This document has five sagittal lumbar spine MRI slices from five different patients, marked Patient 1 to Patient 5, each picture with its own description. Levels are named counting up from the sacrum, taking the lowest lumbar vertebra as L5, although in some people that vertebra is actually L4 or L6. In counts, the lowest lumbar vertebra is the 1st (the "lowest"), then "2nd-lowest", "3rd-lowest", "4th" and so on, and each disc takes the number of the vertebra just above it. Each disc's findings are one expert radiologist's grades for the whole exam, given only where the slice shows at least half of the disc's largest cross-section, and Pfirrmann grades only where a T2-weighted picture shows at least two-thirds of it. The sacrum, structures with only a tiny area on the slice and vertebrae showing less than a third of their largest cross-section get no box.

Patient 1 of 5:
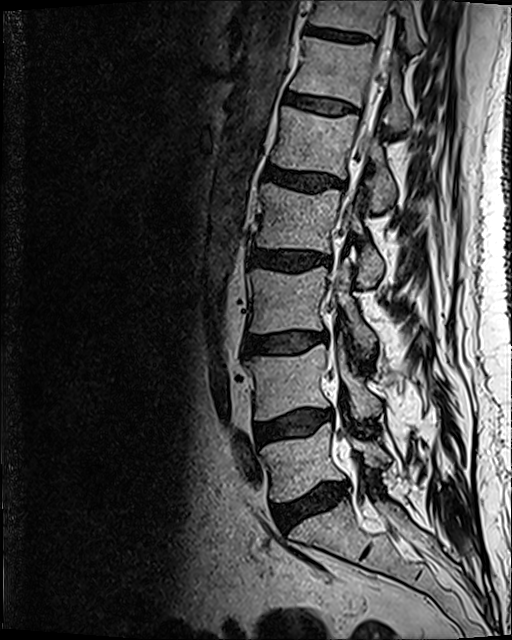 T2 SPACE (3D) sagittal MRI of the lumbar spine. Slice 50 of 120.

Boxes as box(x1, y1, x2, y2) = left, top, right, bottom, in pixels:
{"7th disc": "box(304, 25, 370, 42)", "4th disc": "box(250, 250, 329, 271)", "2nd-lowest vertebra": "box(245, 344, 381, 420)", "7th vertebra": "box(311, 0, 421, 52)", "3rd-lowest disc": "box(242, 332, 316, 355)", "4th vertebra": "box(257, 183, 383, 286)", "3rd-lowest vertebra": "box(247, 262, 376, 352)", "lowest vertebra": "box(261, 422, 390, 501)", "spinal canal": "box(359, 12, 392, 171)", "lowest disc": "box(274, 484, 347, 528)", "5th vertebra": "box(271, 106, 395, 210)", "5th disc": "box(264, 165, 342, 193)", "6th disc": "box(286, 93, 356, 113)", "6th vertebra": "box(290, 37, 409, 130)", "2nd-lowest disc": "box(255, 409, 331, 443)"}

Radiological gradings:
- lowest disc: Pfirrmann grade 3, disc bulging, Modic type II, disc narrowing
- 5th disc: Pfirrmann grade 3, disc bulging
- 3rd-lowest disc: Pfirrmann grade 2, Modic type II, disc bulging
- 6th disc: Pfirrmann grade 2
- 7th disc: Pfirrmann grade 3
- 4th disc: Pfirrmann grade 3, disc bulging
- 2nd-lowest disc: Pfirrmann grade 2, disc bulging, Modic type II

Patient 2 of 5:
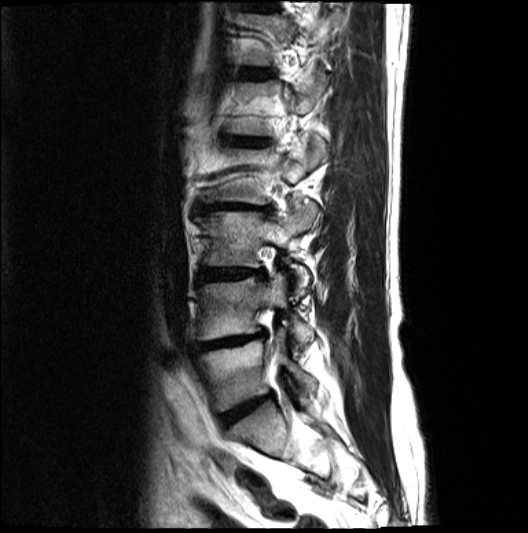 Sagittal slice index 5, MRI lumbar spine (T2-weighted), sagittal plane, Sex M
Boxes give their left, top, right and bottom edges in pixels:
Structures:
- 5th disc: left=232, top=139, right=266, bottom=146
- 2nd-lowest disc: left=198, top=334, right=263, bottom=351
- 4th disc: left=199, top=204, right=259, bottom=212
- 6th disc: left=241, top=70, right=273, bottom=78
- 3rd-lowest vertebra: left=198, top=201, right=318, bottom=296
- 3rd-lowest disc: left=201, top=269, right=263, bottom=279
- 4th vertebra: left=202, top=143, right=329, bottom=204
- 2nd-lowest vertebra: left=199, top=274, right=312, bottom=350
- lowest disc: left=221, top=395, right=271, bottom=425
- lowest vertebra: left=199, top=330, right=315, bottom=411

Degenerative findings by level:
- 3rd-lowest disc: Modic type II, disc bulging, disc narrowing
- lowest disc: disc narrowing, disc bulging, Modic type II
- 2nd-lowest disc: Modic type II, upper-endplate change, lower-endplate change, disc bulging, disc narrowing

Patient 3 of 5:
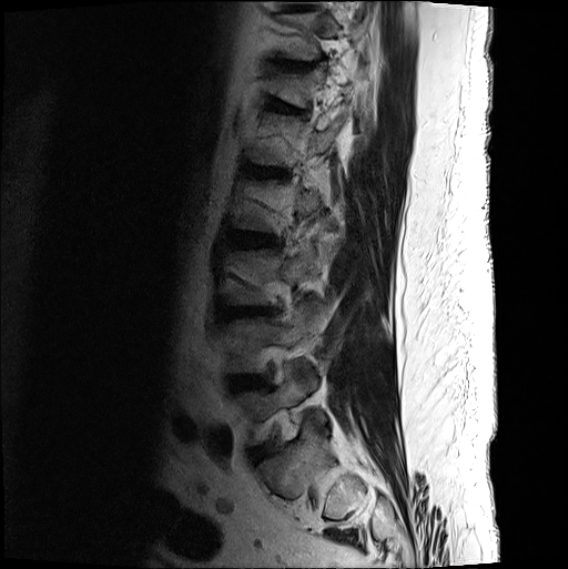
T2-weighted sagittal MRI of the lumbar spine

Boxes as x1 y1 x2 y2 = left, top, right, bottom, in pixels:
Annotations:
- L3 (3rd-lowest vertebra) = 225 243 326 305
- T11/T12 (7th disc) = 272 59 318 71
- L2/L3 (4th disc) = 231 233 275 247
- T11 (7th vertebra) = 277 12 367 60
- intervertebral disc L5/S1 (lowest disc) = 253 446 266 459
- T12 (6th vertebra) = 267 63 365 106
- L5 (lowest vertebra) = 236 371 326 446
- L4 (2nd-lowest vertebra) = 217 301 321 374
- L4/L5 (2nd-lowest disc) = 228 375 270 390
- T12/L1 (6th disc) = 267 98 298 111
- intervertebral disc L3/L4 (3rd-lowest disc) = 219 307 275 319
- L1/L2 (5th disc) = 245 165 284 176

Patient 4 of 5:
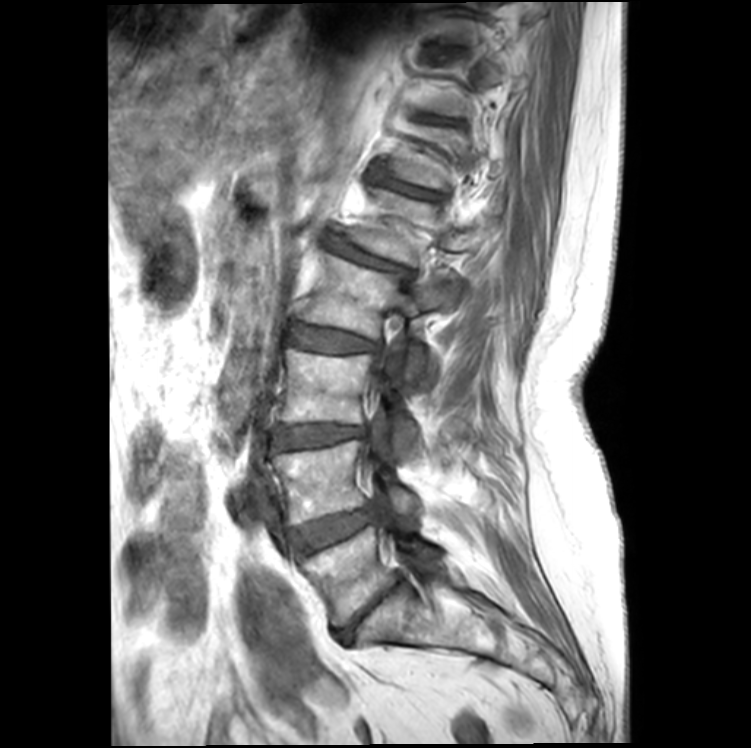 Slice 8/20. Field of view 310x309 mm, slice spacing 4.4 mm. MRI lumbar spine (T1-weighted), sagittal plane. Image 751x748.
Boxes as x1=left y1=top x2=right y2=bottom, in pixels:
lowest vertebra: x1=303 y1=526 x2=440 y2=627
4th disc: x1=288 y1=324 x2=379 y2=352
lowest disc: x1=336 y1=579 x2=401 y2=643
4th vertebra: x1=303 y1=253 x2=458 y2=378
5th disc: x1=327 y1=239 x2=411 y2=278
6th disc: x1=379 y1=179 x2=436 y2=199
3rd-lowest disc: x1=273 y1=426 x2=364 y2=451
2nd-lowest vertebra: x1=273 y1=440 x2=420 y2=526
5th vertebra: x1=349 y1=189 x2=477 y2=263
2nd-lowest disc: x1=292 y1=508 x2=375 y2=555
3rd-lowest vertebra: x1=279 y1=348 x2=417 y2=451

Per-level radiological findings:
- 5th disc: disc bulging, spondylolisthesis, lower-endplate change, upper-endplate change, Modic type II, disc narrowing
- lowest disc: lower-endplate change, disc narrowing, disc bulging, upper-endplate change
- 3rd-lowest disc: disc bulging, disc narrowing, Modic type II
- 2nd-lowest disc: disc bulging, Modic type II
- 4th disc: disc bulging, Modic type II

Patient 5 of 5:
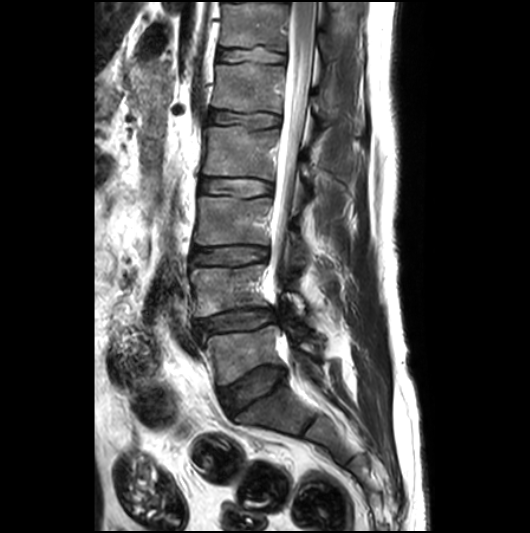
Image 530x533, Slice spacing 3.3 mm, Sagittal slice index 13, Sagittal T2-weighted lumbar spine MRI

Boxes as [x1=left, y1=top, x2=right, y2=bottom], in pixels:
T12 (6th vertebra) — [x1=220, y1=2, x2=337, y2=59].
L1 (5th vertebra) — [x1=212, y1=62, x2=333, y2=125].
L4 (2nd-lowest vertebra) — [x1=190, y1=264, x2=305, y2=317].
Disc L1/L2 (5th disc) — [x1=207, y1=110, x2=279, y2=129].
T12/L1 (6th disc) — [x1=219, y1=46, x2=284, y2=64].
Disc L4/L5 (2nd-lowest disc) — [x1=195, y1=308, x2=276, y2=334].
L2/L3 (4th disc) — [x1=201, y1=178, x2=271, y2=197].
Spinal canal — [x1=269, y1=2, x2=315, y2=366].
L5/S1 (lowest disc) — [x1=219, y1=366, x2=285, y2=415].
L2 (4th vertebra) — [x1=203, y1=126, x2=311, y2=182].
L3/L4 (3rd-lowest disc) — [x1=191, y1=246, x2=266, y2=264].
L5 (lowest vertebra) — [x1=202, y1=325, x2=319, y2=384].
L3 (3rd-lowest vertebra) — [x1=194, y1=196, x2=307, y2=268].

Radiological gradings:
  T12/L1 (6th disc): Pfirrmann grade 2, lower-endplate change
  L1/L2 (5th disc): Pfirrmann grade 2
  L4/L5 (2nd-lowest disc): Pfirrmann grade 3, disc bulging, disc herniation, Modic type II, disc narrowing
  L2/L3 (4th disc): Pfirrmann grade 2
  L3/L4 (3rd-lowest disc): Pfirrmann grade 3, upper-endplate change, disc bulging
  L5/S1 (lowest disc): Pfirrmann grade 3, disc bulging